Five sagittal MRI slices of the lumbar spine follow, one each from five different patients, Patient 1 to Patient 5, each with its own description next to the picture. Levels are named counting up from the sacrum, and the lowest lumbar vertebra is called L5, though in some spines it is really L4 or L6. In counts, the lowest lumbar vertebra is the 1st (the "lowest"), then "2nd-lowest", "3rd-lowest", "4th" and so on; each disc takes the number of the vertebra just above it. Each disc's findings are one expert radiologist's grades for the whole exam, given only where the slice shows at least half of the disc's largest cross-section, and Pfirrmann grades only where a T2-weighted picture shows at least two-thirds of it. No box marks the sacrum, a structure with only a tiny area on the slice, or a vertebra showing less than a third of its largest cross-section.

Patient 1 of 5:
Slice 43 of 120. MRI lumbar spine (T2 SPACE (3D)), sagittal plane. Patient sex: F.

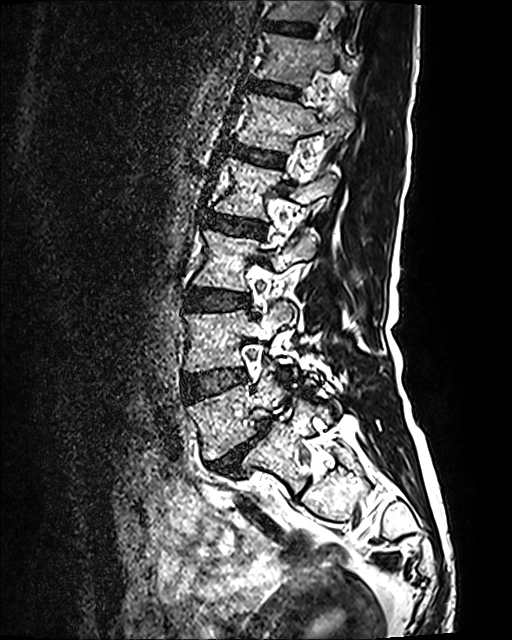
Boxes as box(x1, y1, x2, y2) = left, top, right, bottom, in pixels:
L4 — box(183, 300, 295, 376) | disc L4/L5 — box(182, 369, 246, 401) | disc L1/L2 — box(225, 144, 284, 166) | disc L3/L4 — box(185, 288, 248, 309) | L2/L3 — box(204, 211, 265, 236) | T12/L1 — box(250, 82, 298, 97) | L1 vertebra — box(236, 94, 355, 152) | L3 — box(192, 229, 313, 290) | T12 — box(252, 32, 355, 86) | L2 vertebra — box(214, 158, 335, 219) | T11 vertebra — box(268, 0, 357, 21) | disc T11/T12 — box(263, 22, 312, 33) | disc L5/S1 — box(208, 419, 270, 472) | L5 — box(186, 367, 339, 460)

Radiological gradings:
  T12/L1: Pfirrmann grade 2
  L5/S1: Pfirrmann grade 5, Modic type II, spondylolisthesis, disc bulging, disc narrowing
  L3/L4: Pfirrmann grade 2
  L4/L5: Pfirrmann grade 2
  L2/L3: Pfirrmann grade 2
  T11/T12: Pfirrmann grade 2
  L1/L2: Pfirrmann grade 2

Patient 2 of 5:
Slice spacing 3.2 mm. Sagittal slice index 24. Sagittal T1-weighted lumbar spine MRI. Scanner: Philips Healthcare Ingenia (3T). Patient sex: M.
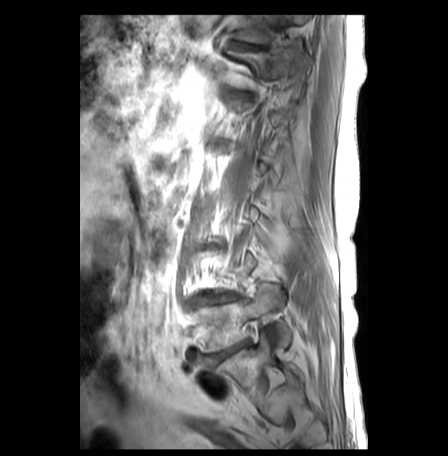

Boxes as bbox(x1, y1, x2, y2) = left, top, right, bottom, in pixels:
{"disc L4/L5": "bbox(196, 294, 239, 304)", "disc L5/S1": "bbox(208, 340, 249, 365)", "T12 vertebra": "bbox(228, 52, 297, 89)", "T11/T12": "bbox(232, 44, 263, 51)", "L5": "bbox(192, 285, 291, 352)"}

Expert MSK radiologist gradings (per disc):
- L5/S1: Modic type II, disc narrowing, disc bulging

Patient 3 of 5:
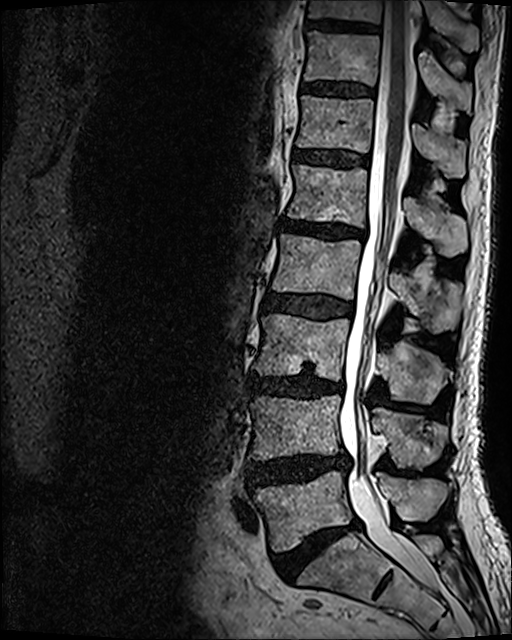
Lumbar spine MR, T2 SPACE (3D), sagittal | Field of view 240x300 mm

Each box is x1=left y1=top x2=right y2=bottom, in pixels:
{"intervertebral disc L2/L3 (4th disc)": "x1=262 y1=291 x2=352 y2=319", "T10 (8th vertebra)": "x1=308 y1=0 x2=478 y2=52", "L5 (lowest vertebra)": "x1=255 y1=471 x2=441 y2=551", "L1 (5th vertebra)": "x1=288 y1=164 x2=467 y2=255", "T11/T12 (7th disc)": "x1=302 y1=84 x2=373 y2=95", "L2 (4th vertebra)": "x1=272 y1=233 x2=461 y2=331", "L3 (3rd-lowest vertebra)": "x1=254 y1=313 x2=448 y2=402", "L4 (2nd-lowest vertebra)": "x1=250 y1=395 x2=446 y2=469", "T10/T11 (8th disc)": "x1=306 y1=19 x2=377 y2=32", "L5/S1 (lowest disc)": "x1=272 y1=520 x2=361 y2=581", "intervertebral disc L3/L4 (3rd-lowest disc)": "x1=248 y1=375 x2=344 y2=398", "T11 (7th vertebra)": "x1=303 y1=31 x2=471 y2=112", "intervertebral disc L4/L5 (2nd-lowest disc)": "x1=246 y1=454 x2=349 y2=487", "T12/L1 (6th disc)": "x1=293 y1=151 x2=367 y2=166", "L1/L2 (5th disc)": "x1=279 y1=218 x2=364 y2=238", "spinal canal": "x1=339 y1=1 x2=432 y2=586", "T12 (6th vertebra)": "x1=296 y1=95 x2=465 y2=177"}

Degenerative findings by level:
  L4/L5 (2nd-lowest disc): Pfirrmann grade 4, disc herniation, disc bulging
  L5/S1 (lowest disc): Pfirrmann grade 5, lower-endplate change, disc bulging, Modic type II, disc narrowing
  L3/L4 (3rd-lowest disc): Pfirrmann grade 4, Modic type II, disc narrowing, disc bulging, lower-endplate change
  L2/L3 (4th disc): Pfirrmann grade 3, disc bulging
  T12/L1 (6th disc): Pfirrmann grade 3
  T11/T12 (7th disc): Pfirrmann grade 3
  L1/L2 (5th disc): Pfirrmann grade 4, disc narrowing, lower-endplate change, disc bulging, Modic type II, upper-endplate change

Patient 4 of 5:
Sagittal slice index 51, Field of view 240x300 mm, Sagittal T2 SPACE (3D) lumbar spine MRI 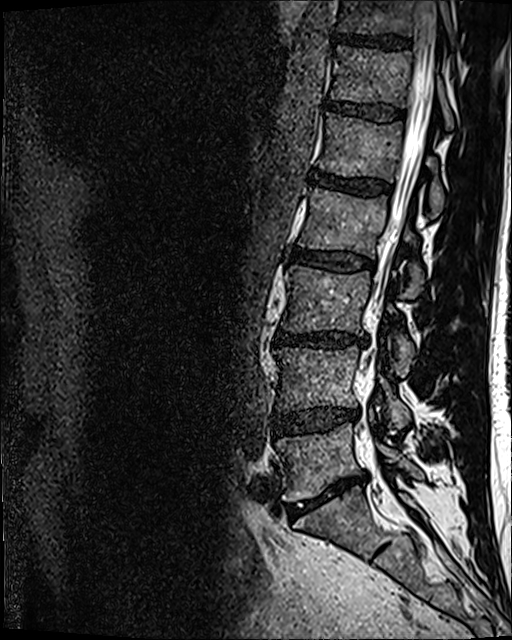
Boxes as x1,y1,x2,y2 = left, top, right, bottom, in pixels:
- 3rd-lowest disc: 274,331,365,347
- 5th vertebra: 319,113,443,216
- 7th vertebra: 337,0,456,49
- 4th vertebra: 299,188,423,298
- 7th disc: 332,34,410,50
- spinal canal: 366,1,436,361
- 5th disc: 309,170,391,195
- 6th disc: 328,102,405,121
- 4th disc: 293,248,374,271
- lowest disc: 288,475,363,516
- 2nd-lowest vertebra: 275,346,409,429
- 6th vertebra: 332,45,453,129
- 2nd-lowest disc: 274,407,359,432
- 3rd-lowest vertebra: 284,265,414,374
- lowest vertebra: 276,424,423,501

Degenerative findings by level:
• 6th disc: Pfirrmann grade 3
• 3rd-lowest disc: Pfirrmann grade 4, disc bulging, lower-endplate change, disc narrowing
• 2nd-lowest disc: Pfirrmann grade 3, disc bulging, disc narrowing
• 5th disc: Pfirrmann grade 4
• 4th disc: Pfirrmann grade 3, disc bulging
• lowest disc: Pfirrmann grade 5, disc bulging, Modic type II, disc narrowing
• 7th disc: Pfirrmann grade 4

Patient 5 of 5:
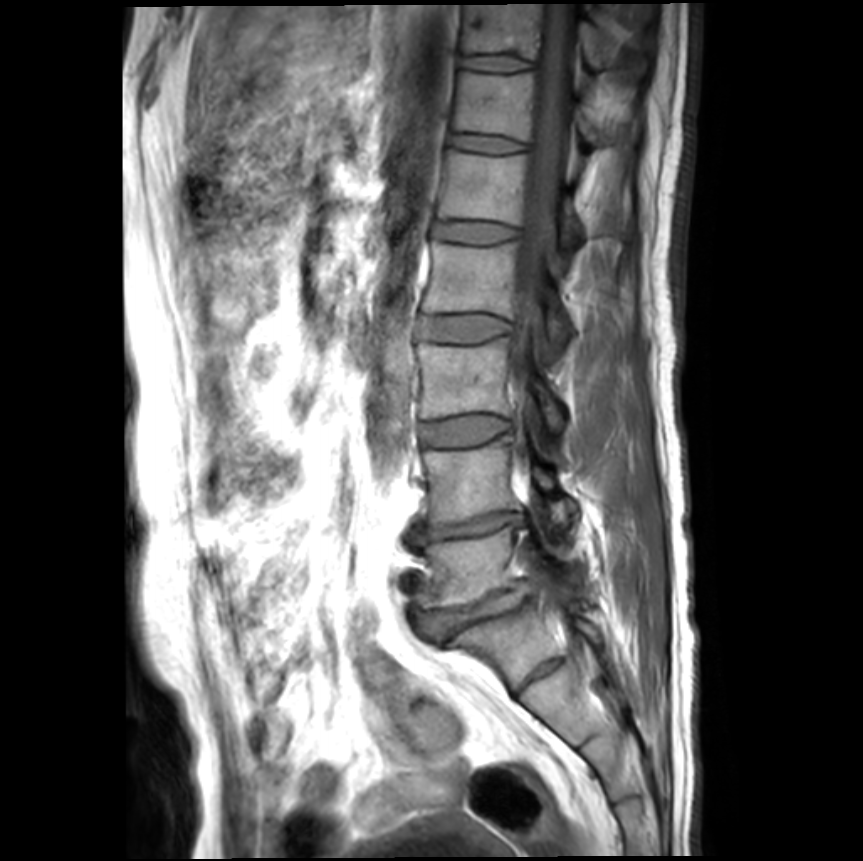

Lumbar spine MR, T1-weighted, sagittal; Slice 13 of 21

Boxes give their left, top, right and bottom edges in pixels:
- T11 vertebra — left=462, top=4, right=642, bottom=71
- L3 vertebra — left=417, top=338, right=562, bottom=429
- T12 vertebra — left=454, top=70, right=639, bottom=143
- IVD L3/L4 — left=418, top=415, right=511, bottom=446
- L2 — left=420, top=241, right=572, bottom=344
- IVD L4/L5 — left=410, top=512, right=523, bottom=544
- L5/S1 — left=418, top=585, right=530, bottom=636
- T11/T12 — left=462, top=54, right=533, bottom=70
- L1 — left=438, top=149, right=595, bottom=240
- L5 vertebra — left=420, top=526, right=558, bottom=606
- L2/L3 — left=418, top=315, right=510, bottom=342
- IVD L1/L2 — left=433, top=221, right=518, bottom=242
- IVD T12/L1 — left=452, top=134, right=525, bottom=152
- L4 vertebra — left=422, top=435, right=577, bottom=524
- thecal sac / spinal canal — left=511, top=2, right=580, bottom=422

Expert MSK radiologist gradings (per disc):
  L5/S1: upper-endplate change, disc bulging, spondylolisthesis, disc narrowing, lower-endplate change
  L4/L5: disc narrowing, disc bulging, Modic type II, upper-endplate change, lower-endplate change
  L1/L2, L2/L3, L3/L4, T12/L1, T11/T12: no herniation, bulging, narrowing, spondylolisthesis, endplate or Modic change recorded